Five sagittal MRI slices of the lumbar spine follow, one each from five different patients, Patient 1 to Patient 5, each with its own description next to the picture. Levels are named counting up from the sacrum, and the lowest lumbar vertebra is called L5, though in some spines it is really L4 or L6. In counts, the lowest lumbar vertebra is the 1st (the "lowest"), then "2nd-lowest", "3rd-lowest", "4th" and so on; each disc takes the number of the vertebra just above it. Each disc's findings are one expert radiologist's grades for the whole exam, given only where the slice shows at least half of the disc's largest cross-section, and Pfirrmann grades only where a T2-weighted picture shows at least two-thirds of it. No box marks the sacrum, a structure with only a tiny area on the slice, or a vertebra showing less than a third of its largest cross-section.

Patient 1 of 5:
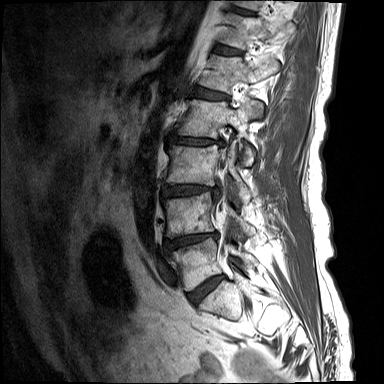

Field of view 280x280 mm, slice spacing 4.4 mm; T1-weighted sagittal MRI of the lumbar spine
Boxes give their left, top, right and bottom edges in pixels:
- IVD L3/L4 — left=163, top=185, right=220, bottom=197
- T12/L1 — left=215, top=44, right=243, bottom=56
- T12 — left=220, top=14, right=295, bottom=49
- L1 vertebra — left=199, top=54, right=279, bottom=91
- L3 — left=165, top=141, right=250, bottom=200
- T11/T12 — left=230, top=7, right=256, bottom=16
- L2 vertebra — left=177, top=99, right=262, bottom=165
- IVD L1/L2 — left=193, top=87, right=228, bottom=99
- L4 vertebra — left=164, top=192, right=255, bottom=237
- L5/S1 — left=187, top=275, right=224, bottom=304
- L4/L5 — left=167, top=232, right=217, bottom=249
- L5 — left=172, top=237, right=256, bottom=290
- L2/L3 — left=169, top=136, right=225, bottom=147

Radiological gradings:
  L4/L5: disc bulging, lower-endplate change, Modic type I, disc narrowing, upper-endplate change
  L3/L4: disc narrowing, disc herniation, upper-endplate change, lower-endplate change, Modic type II, disc bulging
  L2/L3: lower-endplate change, disc narrowing, Modic type II, disc bulging, upper-endplate change
  L5/S1: Modic type II, disc bulging
  T12/L1, L1/L2: no herniation, bulging, narrowing, spondylolisthesis, endplate or Modic change recorded

Patient 2 of 5:
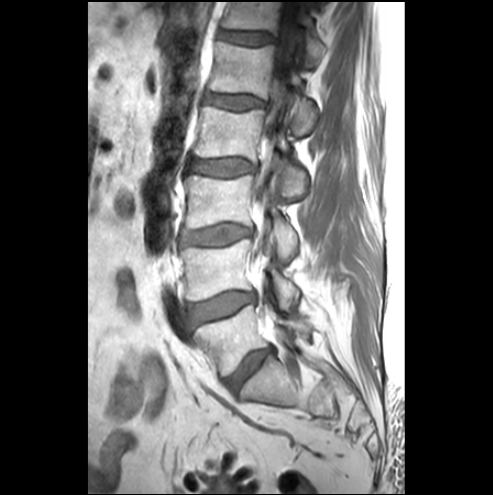
Patient sex: M. 493x495 px. Sagittal T1-weighted lumbar spine MRI.

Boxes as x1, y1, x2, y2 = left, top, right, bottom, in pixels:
IVD L2/L3: 187, 159, 255, 176
L1/L2: 205, 92, 264, 109
L5/S1: 224, 347, 272, 390
L1: 209, 41, 315, 134
L3 vertebra: 185, 175, 297, 259
L4/L5: 189, 292, 254, 327
L2 vertebra: 194, 105, 307, 199
IVD T12/L1: 219, 29, 273, 44
L5 vertebra: 195, 305, 310, 375
T12: 222, 2, 323, 66
IVD L3/L4: 181, 225, 251, 245
L4 vertebra: 180, 238, 298, 310
spinal canal: 258, 3, 297, 198

Per-level radiological findings:
• L5/S1: disc narrowing, disc bulging
• L3/L4: disc bulging
• L4/L5: Modic type III, disc bulging
• L1/L2, L2/L3, T12/L1: no herniation, bulging, narrowing, spondylolisthesis, endplate or Modic change recorded

Patient 3 of 5:
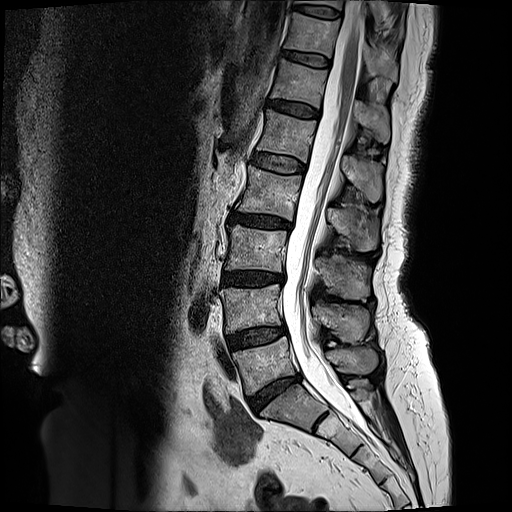 Lumbar spine MR, T2-weighted, sagittal.

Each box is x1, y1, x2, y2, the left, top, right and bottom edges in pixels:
* disc L3/L4 = 222, 271, 283, 284
* T11/T12 = 285, 51, 330, 66
* L4 = 221, 283, 369, 341
* L4/L5 = 227, 326, 285, 349
* T12 = 271, 58, 391, 143
* L5 = 233, 337, 378, 394
* T12/L1 = 267, 99, 319, 117
* L1 = 259, 110, 382, 201
* T10/T11 = 292, 4, 340, 17
* L2 = 238, 166, 378, 250
* L3 = 227, 225, 370, 300
* disc L2/L3 = 230, 210, 290, 227
* T10 = 297, 0, 382, 16
* spinal canal = 282, 1, 363, 425
* L5/S1 = 249, 376, 299, 412
* disc L1/L2 = 252, 153, 305, 172
* T11 vertebra = 286, 12, 398, 81

Degenerative findings by level:
  L2/L3: Pfirrmann grade 4, lower-endplate change, disc narrowing, upper-endplate change, Modic type II, disc bulging
  L3/L4: Pfirrmann grade 4, Modic type II, disc bulging, upper-endplate change, lower-endplate change, disc narrowing
  T10/T11: Pfirrmann grade 2
  L5/S1: Pfirrmann grade 4, disc bulging, disc narrowing
  T11/T12: Pfirrmann grade 2
  T12/L1: Pfirrmann grade 3, disc bulging
  L1/L2: Pfirrmann grade 2
  L4/L5: Pfirrmann grade 3, disc bulging

Patient 4 of 5:
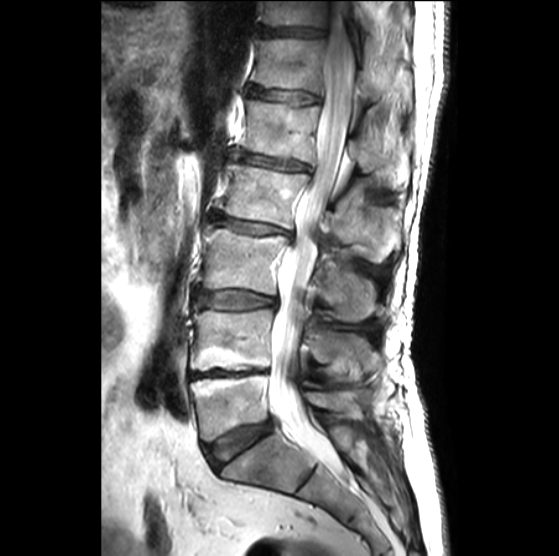
T2-weighted sagittal MRI of the lumbar spine; Image 559x556

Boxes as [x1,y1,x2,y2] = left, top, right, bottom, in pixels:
{"L3 vertebra": "[199,224,376,321]", "L3/L4": "[193,290,276,309]", "T12": "[250,38,411,102]", "disc L4/L5": "[191,368,269,377]", "T12/L1": "[248,86,318,105]", "T11/T12": "[257,26,324,37]", "disc L1/L2": "[240,155,310,172]", "L2": "[220,162,398,261]", "L5/S1": "[205,420,273,468]", "L4 vertebra": "[190,308,376,370]", "L5": "[191,374,369,441]", "spinal canal": "[270,1,353,467]", "L2/L3": "[209,214,290,235]", "T11 vertebra": "[261,0,406,33]", "L1 vertebra": "[235,101,409,185]"}

Degenerative findings by level:
• L1/L2: Pfirrmann grade 3, disc bulging, upper-endplate change, disc narrowing, lower-endplate change, Modic type III
• L3/L4: Pfirrmann grade 2, disc bulging
• T12/L1: Pfirrmann grade 3, disc narrowing
• T11/T12: Pfirrmann grade 4, disc narrowing
• L5/S1: Pfirrmann grade 3, disc bulging
• L4/L5: Pfirrmann grade 5, upper-endplate change, lower-endplate change, disc narrowing, Modic type II
• L2/L3: Pfirrmann grade 3, upper-endplate change, Modic type II, lower-endplate change, disc narrowing, disc bulging

Patient 5 of 5:
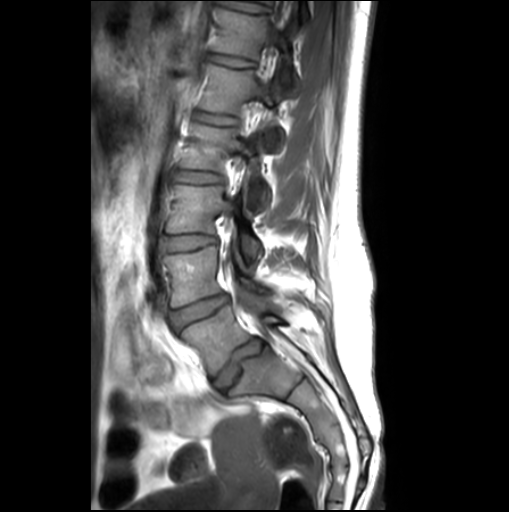
MRI lumbar spine (T1-weighted), sagittal plane, Slice 10 of 26, Patient sex: F
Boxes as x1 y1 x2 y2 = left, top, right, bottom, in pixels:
Segmented structures:
* L3 at 166 184 261 261
* IVD L5/S1 at 215 339 264 389
* T12 vertebra at 210 9 292 86
* IVD L4/L5 at 172 295 229 328
* IVD T12/L1 at 207 54 255 67
* L2 vertebra at 181 125 268 212
* thecal sac / spinal canal at 258 26 282 333
* L1 at 198 65 284 152
* L1/L2 at 194 112 239 125
* L4 at 164 247 272 306
* L5 vertebra at 182 306 287 376
* IVD L2/L3 at 172 170 224 184
* IVD L3/L4 at 158 235 216 253

Expert MSK radiologist gradings (per disc):
  L3/L4: disc bulging
  L4/L5: disc bulging
  L5/S1: upper-endplate change, lower-endplate change, disc bulging
  L1/L2, L2/L3, T12/L1: no herniation, bulging, narrowing, spondylolisthesis, endplate or Modic change recorded